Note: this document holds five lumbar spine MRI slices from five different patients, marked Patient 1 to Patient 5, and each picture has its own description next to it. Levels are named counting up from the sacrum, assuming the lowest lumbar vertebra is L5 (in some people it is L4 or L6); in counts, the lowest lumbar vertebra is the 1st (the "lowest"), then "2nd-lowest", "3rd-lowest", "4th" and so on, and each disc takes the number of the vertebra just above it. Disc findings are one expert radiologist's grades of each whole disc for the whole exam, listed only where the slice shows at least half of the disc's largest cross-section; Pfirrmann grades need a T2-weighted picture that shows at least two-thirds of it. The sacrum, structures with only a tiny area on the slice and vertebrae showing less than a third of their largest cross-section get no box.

Patient 1 of 5:
Slice 24/30; Image 448x455; MRI lumbar spine (T2-weighted), sagittal plane

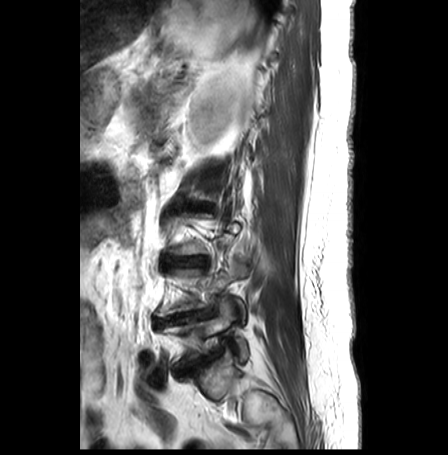 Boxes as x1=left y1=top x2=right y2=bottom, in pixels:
L5/S1 (lowest disc): x1=177 y1=353 x2=216 y2=376 | disc L3/L4 (3rd-lowest disc): x1=166 y1=256 x2=207 y2=267 | L5 (lowest vertebra): x1=162 y1=297 x2=248 y2=366 | L2/L3 (4th disc): x1=186 y1=205 x2=207 y2=209 | disc L4/L5 (2nd-lowest disc): x1=154 y1=309 x2=214 y2=325 | L4 (2nd-lowest vertebra): x1=155 y1=264 x2=246 y2=325

Radiological gradings:
• L4/L5 (2nd-lowest disc): Pfirrmann grade 3, disc bulging, Modic type II, disc narrowing, lower-endplate change, disc herniation, upper-endplate change
• L3/L4 (3rd-lowest disc): Pfirrmann grade 5, upper-endplate change, disc narrowing, disc bulging, Modic type II, lower-endplate change
• L5/S1 (lowest disc): Pfirrmann grade 4, disc bulging, lower-endplate change, disc narrowing, Modic type II, upper-endplate change

Patient 2 of 5:
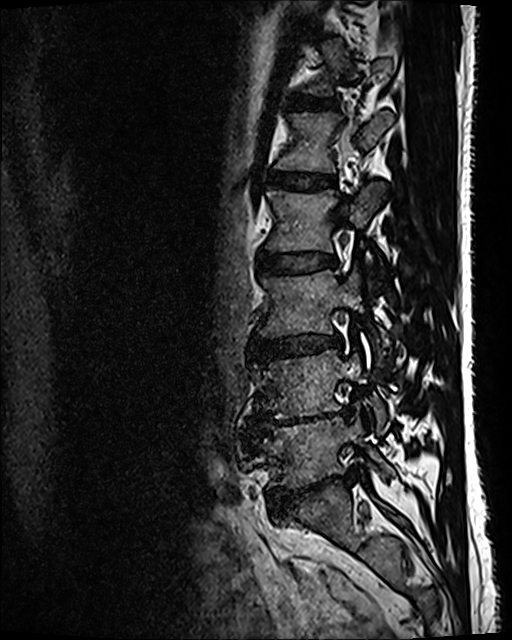 T2 SPACE (3D) sagittal MRI of the lumbar spine, Field of view 240x300 mm, Slice 77/120, 512x640 px

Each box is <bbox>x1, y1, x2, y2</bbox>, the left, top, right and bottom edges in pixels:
Annotations:
- L3 (3rd-lowest vertebra): <bbox>257, 270, 379, 348</bbox>
- disc L4/L5 (2nd-lowest disc): <bbox>263, 411, 344, 427</bbox>
- L5 (lowest vertebra): <bbox>263, 419, 393, 488</bbox>
- L5/S1 (lowest disc): <bbox>270, 474, 348, 514</bbox>
- L1/L2 (5th disc): <bbox>269, 171, 336, 189</bbox>
- L1 (5th vertebra): <bbox>275, 111, 393, 172</bbox>
- L4 (2nd-lowest vertebra): <bbox>254, 350, 385, 434</bbox>
- disc L3/L4 (3rd-lowest disc): <bbox>253, 335, 342, 361</bbox>
- L2/L3 (4th disc): <bbox>258, 253, 335, 274</bbox>
- T12/L1 (6th disc): <bbox>293, 95, 333, 109</bbox>
- L2 (4th vertebra): <bbox>266, 184, 382, 252</bbox>
- disc T11/T12 (7th disc): <bbox>317, 32, 330, 37</bbox>

Degenerative findings by level:
• L5/S1 (lowest disc): Pfirrmann grade 5, disc narrowing, lower-endplate change, disc bulging, spondylolisthesis
• L2/L3 (4th disc): Pfirrmann grade 2
• L3/L4 (3rd-lowest disc): Pfirrmann grade 3, disc narrowing, disc bulging
• L1/L2 (5th disc): Pfirrmann grade 2
• T12/L1 (6th disc): no herniation, bulging, narrowing, spondylolisthesis, endplate or Modic change recorded

Patient 3 of 5:
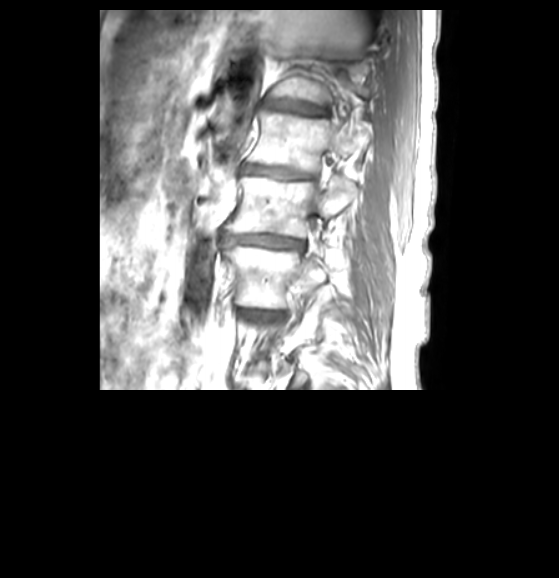
Patient sex: F; Slice 33 of 50; T1-weighted sagittal MRI of the lumbar spine; Image 559x578

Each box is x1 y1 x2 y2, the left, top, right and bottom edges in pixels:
L2/L3 at 220 231 306 251, L1/L2 at 241 164 309 178, L1 at 247 111 354 171, spinal canal at 307 186 316 206, L3/L4 at 246 311 277 317, L2 vertebra at 226 175 356 237, T12/L1 at 262 99 324 114, L3 at 223 246 326 307.

Radiological gradings:
• T12/L1: lower-endplate change, disc narrowing
• L2/L3: disc bulging, disc narrowing
• L1/L2: disc narrowing

Patient 4 of 5:
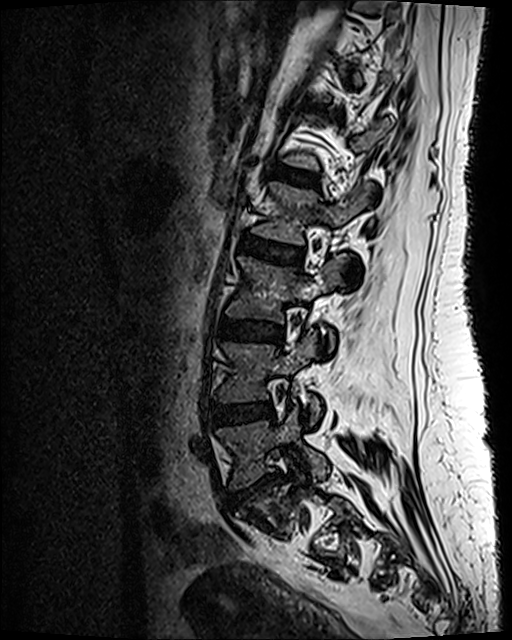 Sagittal T2 SPACE (3D) lumbar spine MRI

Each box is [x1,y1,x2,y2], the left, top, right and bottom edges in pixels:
Intervertebral disc L1/L2 (5th disc) — [267,164,317,187].
L3 (3rd-lowest vertebra) — [227,256,347,343].
L4 (2nd-lowest vertebra) — [218,333,320,425].
L2 (4th vertebra) — [253,182,366,242].
L2/L3 (4th disc) — [240,237,301,264].
L5 (lowest vertebra) — [217,408,329,487].
Intervertebral disc L3/L4 (3rd-lowest disc) — [218,319,282,342].
L4/L5 (2nd-lowest disc) — [213,403,272,424].
L5/S1 (lowest disc) — [238,475,277,497].

Per-level radiological findings:
- L4/L5 (2nd-lowest disc): disc bulging
- L2/L3 (4th disc): Pfirrmann grade 3, disc bulging
- L3/L4 (3rd-lowest disc), L1/L2 (5th disc): no Modic or endplate change, herniation, narrowing, bulging or spondylolisthesis recorded

Patient 5 of 5:
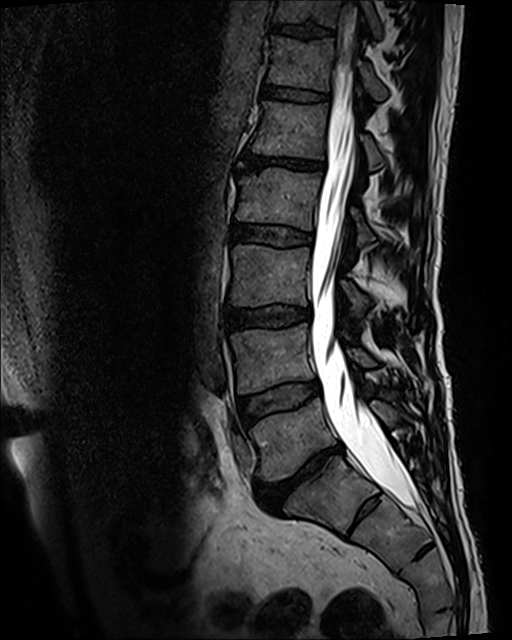 Lumbar spine MR, T2 SPACE (3D), sagittal, Image 512x640

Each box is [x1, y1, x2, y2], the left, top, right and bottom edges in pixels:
Annotations:
• spinal canal: [309, 1, 418, 512]
• L2 vertebra: [236, 168, 374, 247]
• L3/L4: [226, 308, 311, 329]
• T11/T12: [272, 24, 332, 37]
• T11 vertebra: [274, 0, 380, 37]
• L5/S1: [257, 443, 342, 510]
• L5: [250, 398, 399, 482]
• T12 vertebra: [268, 37, 388, 99]
• L4 vertebra: [230, 323, 375, 393]
• disc L2/L3: [231, 223, 312, 245]
• L1/L2: [242, 153, 323, 170]
• L3 vertebra: [229, 244, 368, 316]
• L1 vertebra: [251, 100, 384, 170]
• T12/L1: [261, 81, 327, 101]
• L4/L5: [240, 381, 318, 424]

Expert MSK radiologist gradings (per disc):
  L1/L2: Pfirrmann grade 5, disc bulging, lower-endplate change, Modic type II, disc narrowing, upper-endplate change
  T11/T12: Pfirrmann grade 3, lower-endplate change, upper-endplate change
  T12/L1: Pfirrmann grade 3
  L4/L5: Pfirrmann grade 3, Modic type II
  L2/L3: Pfirrmann grade 3
  L5/S1: Pfirrmann grade 5, lower-endplate change, upper-endplate change, Modic type II, disc bulging, disc narrowing
  L3/L4: Pfirrmann grade 3, disc bulging, lower-endplate change, upper-endplate change